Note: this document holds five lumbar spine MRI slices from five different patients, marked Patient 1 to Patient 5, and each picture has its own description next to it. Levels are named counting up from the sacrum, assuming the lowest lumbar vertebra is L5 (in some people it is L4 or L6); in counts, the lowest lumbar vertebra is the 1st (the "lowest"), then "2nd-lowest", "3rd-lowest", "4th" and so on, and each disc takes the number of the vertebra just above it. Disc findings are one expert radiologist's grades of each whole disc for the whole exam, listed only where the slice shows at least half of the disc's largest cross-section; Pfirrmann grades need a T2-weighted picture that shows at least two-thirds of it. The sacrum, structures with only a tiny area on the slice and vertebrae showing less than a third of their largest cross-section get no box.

Patient 1 of 5:
MRI lumbar spine (T1-weighted), sagittal plane, SIEMENS Skyra_fit (3T)
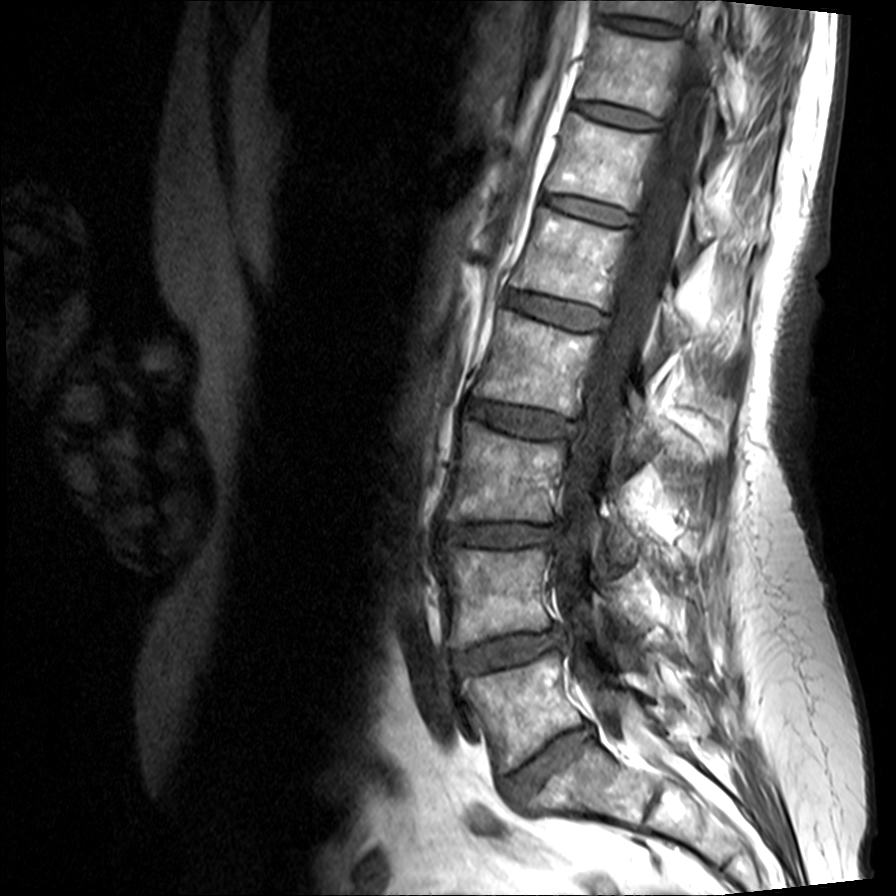 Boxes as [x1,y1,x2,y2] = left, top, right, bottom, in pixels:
{"T12 (6th vertebra)": "[547,113,716,242]", "T12/L1 (6th disc)": "[543,194,630,225]", "L5 (lowest vertebra)": "[463,652,652,771]", "disc L5/S1 (lowest disc)": "[503,725,595,805]", "spinal canal": "[553,54,712,743]", "T11 (7th vertebra)": "[578,25,737,138]", "L4/L5 (2nd-lowest disc)": "[452,627,565,674]", "L2/L3 (4th disc)": "[468,398,579,437]", "disc L1/L2 (5th disc)": "[505,291,606,328]", "disc T10/T11 (8th disc)": "[603,14,677,34]", "L3 (3rd-lowest vertebra)": "[447,419,640,560]", "T10 (8th vertebra)": "[600,0,741,41]", "L4 (2nd-lowest vertebra)": "[443,543,647,648]", "L2 (4th vertebra)": "[476,310,659,457]", "L3/L4 (3rd-lowest disc)": "[446,523,558,546]", "L1 (5th vertebra)": "[513,208,693,342]", "disc T11/T12 (7th disc)": "[574,100,658,128]"}

Radiological gradings:
• L2/L3 (4th disc): disc bulging
• L4/L5 (2nd-lowest disc): disc bulging, disc herniation, disc narrowing, Modic type II
• L5/S1 (lowest disc): disc narrowing, disc bulging
• L3/L4 (3rd-lowest disc): disc bulging, disc narrowing, lower-endplate change, upper-endplate change
• T12/L1 (6th disc), T10/T11 (8th disc), T11/T12 (7th disc), L1/L2 (5th disc): no herniation, bulging, narrowing, spondylolisthesis, endplate or Modic change recorded

Patient 2 of 5:
Field of view 280x280 mm, slice spacing 3.3 mm | 448x448 px | Slice 12/24 | MRI lumbar spine (T2-weighted), sagittal plane | Patient sex: F 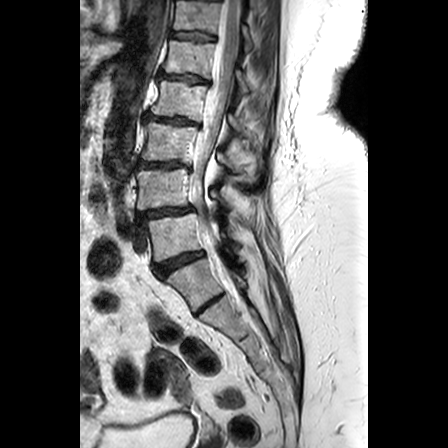
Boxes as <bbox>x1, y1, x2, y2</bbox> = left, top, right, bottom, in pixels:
L2 — <bbox>151, 80, 242, 133</bbox>.
T12 — <bbox>174, 1, 253, 51</bbox>.
Disc L2/L3 — <bbox>146, 113, 200, 127</bbox>.
L5/S1 — <bbox>153, 251, 204, 277</bbox>.
L4 — <bbox>136, 168, 225, 211</bbox>.
L1/L2 — <bbox>158, 72, 211, 85</bbox>.
T12/L1 — <bbox>170, 32, 216, 41</bbox>.
L3 vertebra — <bbox>141, 122, 249, 180</bbox>.
L3/L4 — <bbox>137, 162, 192, 169</bbox>.
Thecal sac / spinal canal — <bbox>189, 0, 241, 290</bbox>.
L1 vertebra — <bbox>165, 40, 248, 94</bbox>.
Disc L4/L5 — <bbox>137, 207, 193, 223</bbox>.
L5 — <bbox>147, 213, 234, 262</bbox>.

Degenerative findings by level:
  L4/L5: Pfirrmann grade 4, disc bulging, spondylolisthesis, disc narrowing
  L5/S1: Pfirrmann grade 4, disc bulging
  L2/L3: Pfirrmann grade 3, Modic type II, upper-endplate change, disc bulging, disc narrowing, lower-endplate change
  L3/L4: Pfirrmann grade 3, upper-endplate change, Modic type II, disc narrowing, disc bulging, lower-endplate change
  T12/L1: Pfirrmann grade 3, lower-endplate change, upper-endplate change, Modic type II
  L1/L2: Pfirrmann grade 3, disc narrowing, lower-endplate change, disc bulging, upper-endplate change, Modic type II

Patient 3 of 5:
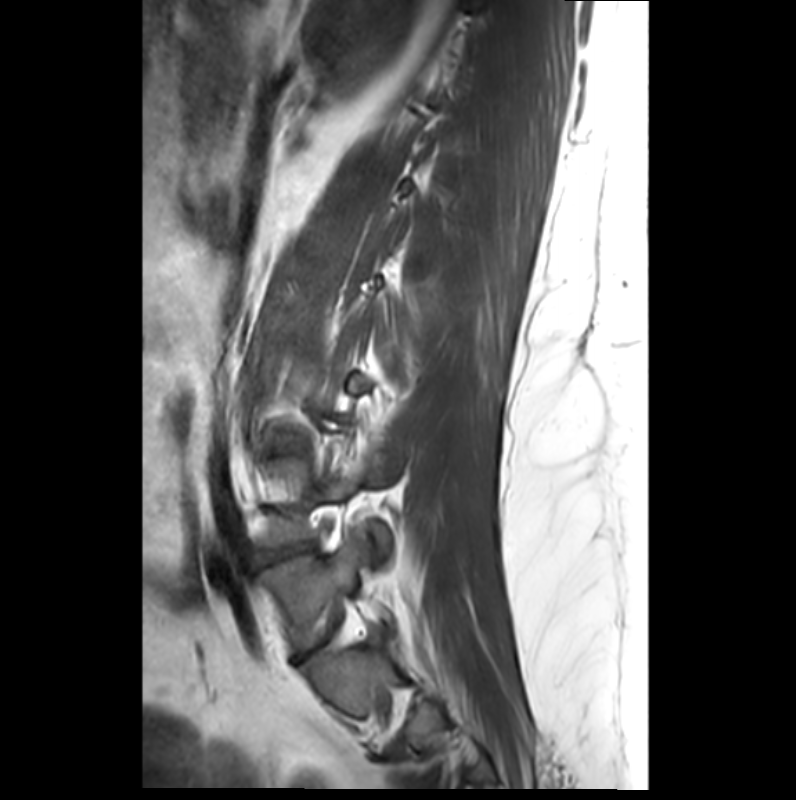
Sagittal T1-weighted lumbar spine MRI | Slice 10/33

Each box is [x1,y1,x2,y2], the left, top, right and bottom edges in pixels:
L5 (lowest vertebra): [262,529,393,652]
L5/S1 (lowest disc): [293,638,331,662]
IVD L4/L5 (2nd-lowest disc): [262,546,308,560]

Patient 4 of 5:
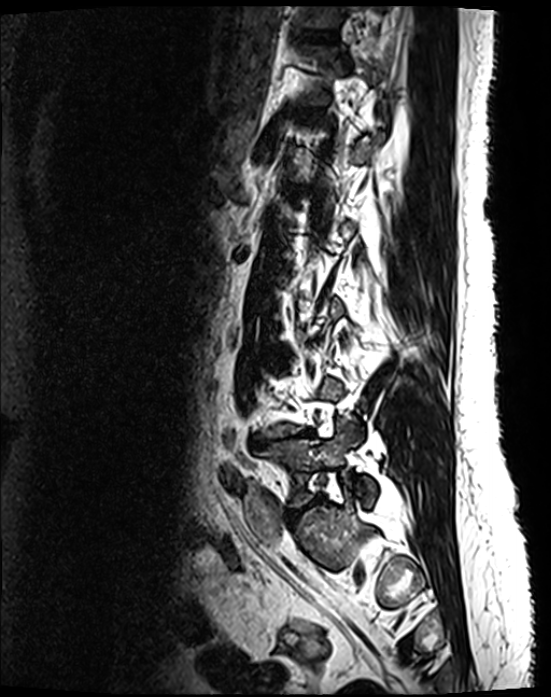 551x697 px. Slice 93 of 130. MRI lumbar spine (T2 SPACE (3D)), sagittal plane.
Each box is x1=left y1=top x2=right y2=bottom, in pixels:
Segmented structures:
• 6th disc at x1=297 y1=109 x2=317 y2=113
• 2nd-lowest disc at x1=251 y1=430 x2=313 y2=448
• 7th vertebra at x1=297 y1=5 x2=341 y2=26
• 7th disc at x1=300 y1=31 x2=331 y2=40
• lowest disc at x1=287 y1=500 x2=319 y2=519
• lowest vertebra at x1=258 y1=420 x2=376 y2=506

Patient 5 of 5:
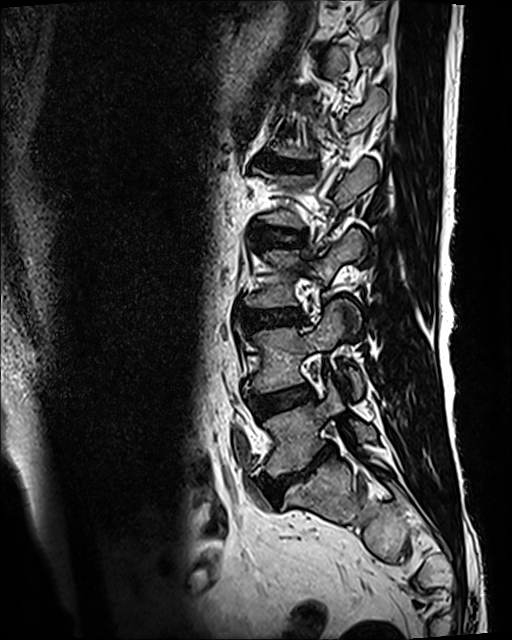

Slice 37 of 120, T2 SPACE (3D) sagittal MRI of the lumbar spine, Slice spacing 0.9 mm
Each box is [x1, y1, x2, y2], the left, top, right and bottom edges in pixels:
L4/L5 (2nd-lowest disc): [251, 386, 313, 415].
L5 (lowest vertebra): [264, 380, 376, 476].
IVD L1/L2 (5th disc): [262, 157, 314, 171].
L4 (2nd-lowest vertebra): [245, 300, 363, 398].
L3/L4 (3rd-lowest disc): [240, 309, 304, 330].
L2/L3 (4th disc): [254, 225, 303, 243].
IVD L5/S1 (lowest disc): [264, 446, 334, 499].
L3 (3rd-lowest vertebra): [246, 229, 364, 308].

Per-level radiological findings:
- L3/L4 (3rd-lowest disc): lower-endplate change, disc bulging, upper-endplate change
- L5/S1 (lowest disc): upper-endplate change, disc bulging, lower-endplate change, Modic type II, disc narrowing
- L4/L5 (2nd-lowest disc): Modic type II